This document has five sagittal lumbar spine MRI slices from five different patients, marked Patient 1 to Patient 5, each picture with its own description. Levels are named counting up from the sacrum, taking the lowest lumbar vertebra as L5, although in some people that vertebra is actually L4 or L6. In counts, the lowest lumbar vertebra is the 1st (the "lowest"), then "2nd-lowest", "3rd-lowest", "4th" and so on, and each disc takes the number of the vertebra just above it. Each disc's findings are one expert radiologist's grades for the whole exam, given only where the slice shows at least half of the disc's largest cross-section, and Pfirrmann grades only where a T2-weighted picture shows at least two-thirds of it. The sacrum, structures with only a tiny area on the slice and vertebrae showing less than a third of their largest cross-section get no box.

Patient 1 of 5:
448x452 px, Scanner: Philips Healthcare Ingenia (3T), Slice 10 of 27, T1-weighted sagittal MRI of the lumbar spine, Sex F, Field of view 280x283 mm, slice spacing 3.3 mm

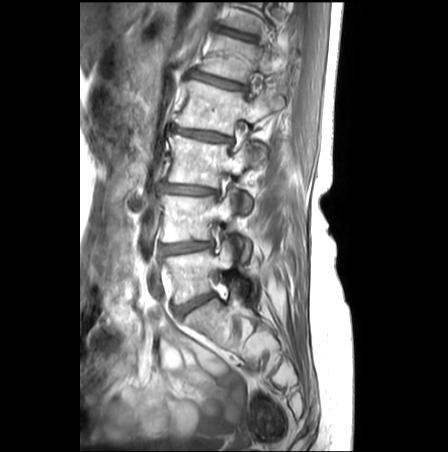 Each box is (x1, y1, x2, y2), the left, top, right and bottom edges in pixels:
Annotations:
• L3/L4 — (162, 183, 216, 194)
• L4/L5 — (160, 242, 211, 253)
• L4 vertebra — (159, 191, 253, 261)
• intervertebral disc L5/S1 — (174, 293, 214, 317)
• L2/L3 — (174, 128, 229, 141)
• intervertebral disc L1/L2 — (190, 71, 244, 89)
• T12/L1 — (224, 31, 252, 39)
• L3 — (168, 136, 251, 213)
• L2 vertebra — (175, 80, 283, 164)
• L5 — (163, 239, 256, 304)
• L1 vertebra — (201, 35, 285, 82)

Expert MSK radiologist gradings (per disc):
• L4/L5: lower-endplate change, upper-endplate change, disc narrowing, disc bulging, Modic type II
• L1/L2: upper-endplate change, disc bulging, lower-endplate change
• L3/L4: Modic type II, disc bulging, lower-endplate change, upper-endplate change, disc narrowing
• L2/L3: upper-endplate change, Modic type II, disc bulging, disc narrowing, lower-endplate change

Patient 2 of 5:
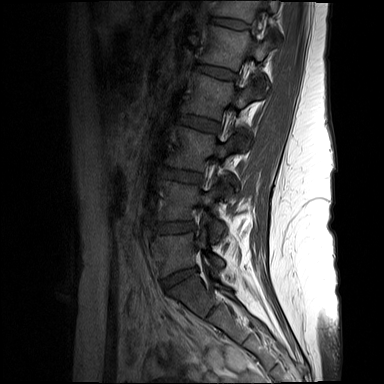 Lumbar spine MR, T1-weighted, sagittal | Patient sex: F | Slice 5/17
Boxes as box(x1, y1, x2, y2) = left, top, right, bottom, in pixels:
disc T12/L1: box(212, 18, 247, 29) | L2/L3: box(178, 116, 219, 131) | L5/S1: box(163, 268, 196, 288) | L1 vertebra: box(201, 26, 273, 86) | L4/L5: box(156, 223, 193, 233) | L3: box(166, 126, 242, 198) | disc L3/L4: box(161, 169, 201, 182) | L4: box(156, 180, 226, 239) | L5: box(155, 229, 224, 276) | L1/L2: box(196, 65, 234, 79) | L2: box(181, 72, 261, 150) | T12 vertebra: box(214, 0, 279, 37)

Radiological gradings:
• L2/L3, T12/L1, L4/L5, L1/L2, L3/L4, L5/S1: no herniation, bulging, narrowing, spondylolisthesis, endplate or Modic change recorded

Patient 3 of 5:
512x640 px. Sex M. Lumbar spine MR, T2 SPACE (3D), sagittal.

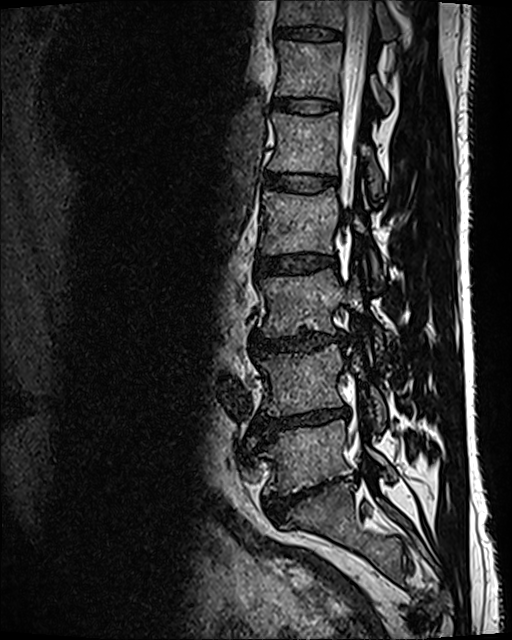
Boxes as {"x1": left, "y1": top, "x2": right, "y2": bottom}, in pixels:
T12/L1 at {"x1": 274, "y1": 97, "x2": 336, "y2": 113}, L4 vertebra at {"x1": 257, "y1": 345, "x2": 387, "y2": 430}, L5 at {"x1": 263, "y1": 420, "x2": 396, "y2": 495}, IVD T11/T12 at {"x1": 272, "y1": 25, "x2": 341, "y2": 40}, T12 vertebra at {"x1": 275, "y1": 41, "x2": 390, "y2": 112}, L1 vertebra at {"x1": 269, "y1": 112, "x2": 382, "y2": 198}, L3 vertebra at {"x1": 261, "y1": 269, "x2": 382, "y2": 352}, IVD L3/L4 at {"x1": 253, "y1": 333, "x2": 343, "y2": 351}, L2 at {"x1": 260, "y1": 187, "x2": 381, "y2": 281}, L4/L5 at {"x1": 258, "y1": 406, "x2": 348, "y2": 439}, L1/L2 at {"x1": 264, "y1": 172, "x2": 336, "y2": 192}, T11 vertebra at {"x1": 275, "y1": 0, "x2": 396, "y2": 41}, thecal sac / spinal canal at {"x1": 340, "y1": 1, "x2": 372, "y2": 209}, IVD L2/L3 at {"x1": 256, "y1": 255, "x2": 336, "y2": 276}, IVD L5/S1 at {"x1": 265, "y1": 480, "x2": 331, "y2": 522}.

Expert MSK radiologist gradings (per disc):
  L5/S1: lower-endplate change, spondylolisthesis, disc narrowing, disc bulging
  L4/L5: Pfirrmann grade 5, disc bulging, disc narrowing, lower-endplate change, Modic type II
  L2/L3: Pfirrmann grade 2
  L1/L2: Pfirrmann grade 2
  L3/L4: Pfirrmann grade 3, disc bulging, disc narrowing
  T11/T12: Pfirrmann grade 2
  T12/L1: Pfirrmann grade 2

Patient 4 of 5:
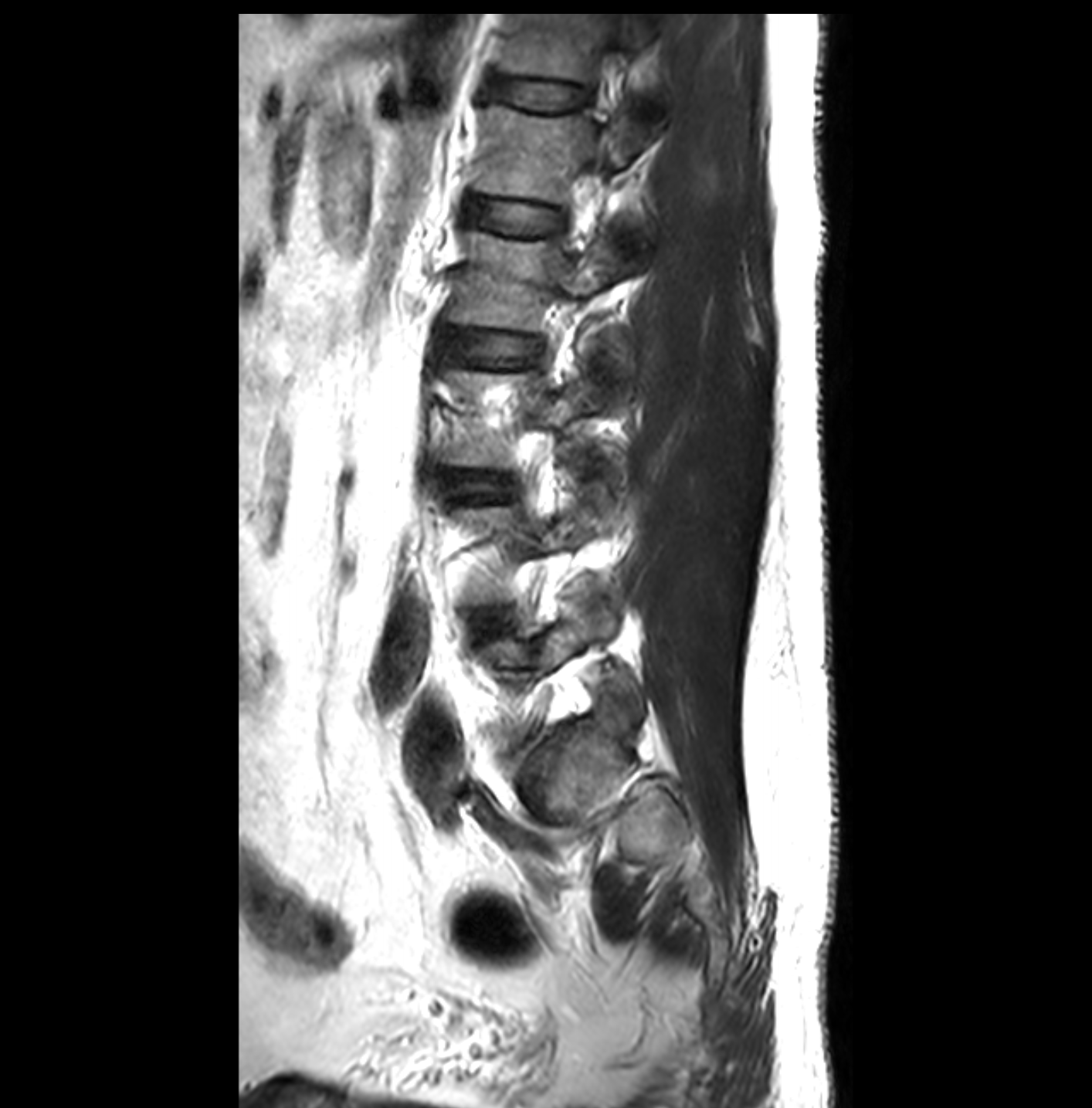
Slice 24 of 32; T2-weighted sagittal MRI of the lumbar spine

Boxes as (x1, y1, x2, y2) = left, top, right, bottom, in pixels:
2nd-lowest disc: (473, 611, 504, 632)
lowest vertebra: (483, 593, 613, 692)
4th vertebra: (447, 229, 630, 376)
3rd-lowest disc: (447, 475, 514, 500)
6th disc: (486, 78, 591, 111)
3rd-lowest vertebra: (443, 369, 598, 469)
4th disc: (443, 332, 544, 366)
2nd-lowest vertebra: (452, 490, 612, 605)
6th vertebra: (498, 15, 649, 83)
5th disc: (466, 198, 562, 235)
5th vertebra: (471, 104, 640, 205)

Radiological gradings:
  6th disc: Pfirrmann grade 1
  5th disc: Pfirrmann grade 1
  4th disc: no Modic or endplate change, herniation, narrowing, bulging or spondylolisthesis recorded

Patient 5 of 5:
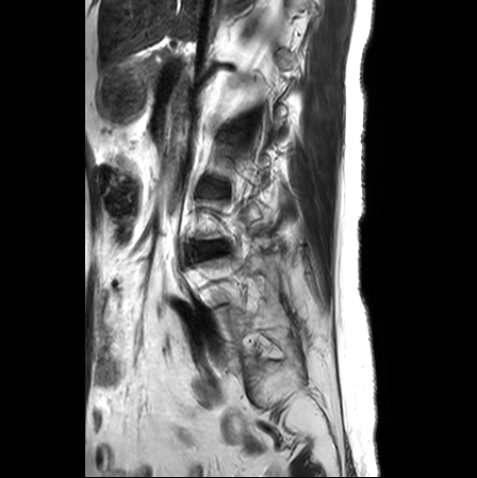 477x478 px; Sex F; MRI lumbar spine (T2-weighted), sagittal plane

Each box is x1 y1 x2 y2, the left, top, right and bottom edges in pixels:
Segmented structures:
* 3rd-lowest disc: 199 242 226 256
* lowest vertebra: 215 305 286 364
* 4th disc: 199 183 227 196